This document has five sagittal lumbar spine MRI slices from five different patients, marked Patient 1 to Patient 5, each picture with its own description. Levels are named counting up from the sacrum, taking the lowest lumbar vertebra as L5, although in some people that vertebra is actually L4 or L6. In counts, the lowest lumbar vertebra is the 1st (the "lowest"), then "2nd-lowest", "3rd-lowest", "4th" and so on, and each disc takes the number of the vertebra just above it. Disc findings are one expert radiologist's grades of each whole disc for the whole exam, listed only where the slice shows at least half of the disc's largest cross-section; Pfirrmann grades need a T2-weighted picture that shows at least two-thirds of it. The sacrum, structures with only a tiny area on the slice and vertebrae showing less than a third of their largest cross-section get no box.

Patient 1 of 5:
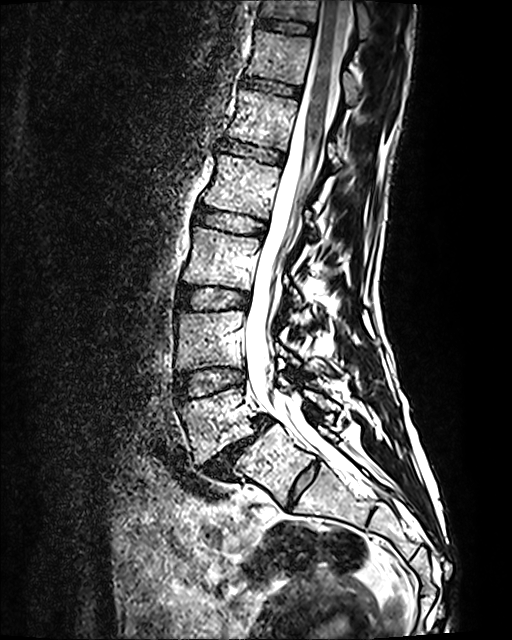 Sex F | Lumbar spine MR, T2 SPACE (3D), sagittal
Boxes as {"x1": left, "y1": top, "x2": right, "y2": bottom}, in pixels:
3rd-lowest disc — {"x1": 177, "y1": 286, "x2": 249, "y2": 309}.
Lowest disc — {"x1": 202, "y1": 416, "x2": 271, "y2": 478}.
3rd-lowest vertebra — {"x1": 182, "y1": 226, "x2": 300, "y2": 308}.
7th vertebra — {"x1": 260, "y1": 0, "x2": 372, "y2": 39}.
Lowest vertebra — {"x1": 179, "y1": 388, "x2": 339, "y2": 462}.
4th disc — {"x1": 195, "y1": 208, "x2": 265, "y2": 235}.
7th disc — {"x1": 258, "y1": 19, "x2": 314, "y2": 33}.
6th disc — {"x1": 242, "y1": 78, "x2": 299, "y2": 95}.
2nd-lowest vertebra — {"x1": 177, "y1": 310, "x2": 290, "y2": 370}.
6th vertebra — {"x1": 245, "y1": 31, "x2": 358, "y2": 104}.
5th vertebra — {"x1": 226, "y1": 89, "x2": 340, "y2": 168}.
Thecal sac / spinal canal — {"x1": 244, "y1": 0, "x2": 350, "y2": 453}.
2nd-lowest disc — {"x1": 175, "y1": 367, "x2": 245, "y2": 401}.
4th vertebra — {"x1": 204, "y1": 154, "x2": 313, "y2": 242}.
5th disc — {"x1": 221, "y1": 141, "x2": 284, "y2": 163}.

Per-level radiological findings:
  lowest disc: Pfirrmann grade 5, disc narrowing, spondylolisthesis, disc bulging, Modic type II
  4th disc: Pfirrmann grade 2
  7th disc: Pfirrmann grade 2
  5th disc: Pfirrmann grade 2
  3rd-lowest disc: Pfirrmann grade 2
  6th disc: Pfirrmann grade 2
  2nd-lowest disc: Pfirrmann grade 2

Patient 2 of 5:
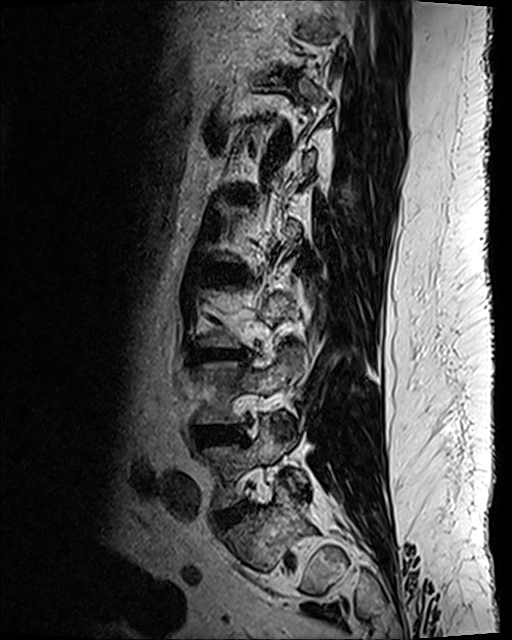 MRI lumbar spine (T2 SPACE (3D)), sagittal plane; Sex M
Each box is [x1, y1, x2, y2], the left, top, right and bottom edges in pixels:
Intervertebral disc L3/L4 at [193, 351, 245, 361], intervertebral disc L2/L3 at [223, 272, 244, 279], L4 at [196, 348, 307, 424], L5/S1 at [216, 505, 249, 525], L5 vertebra at [206, 417, 305, 507], L4/L5 at [196, 426, 238, 443].

Patient 3 of 5:
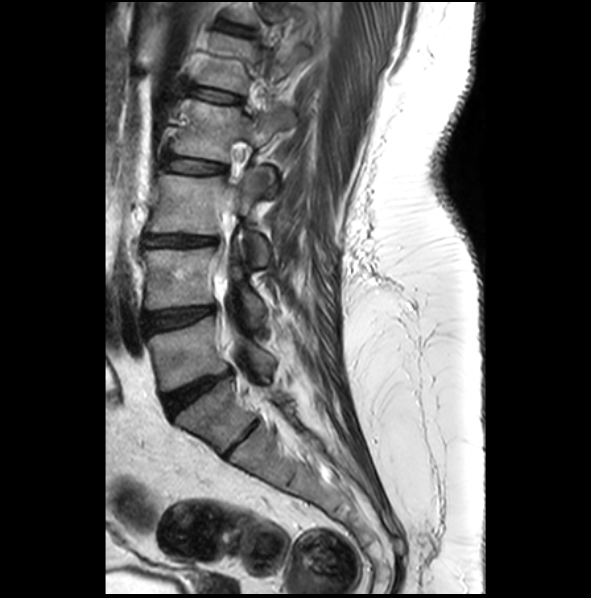 MRI lumbar spine (T2-weighted), sagittal plane

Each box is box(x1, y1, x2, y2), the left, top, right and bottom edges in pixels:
L1: box(197, 33, 310, 91)
L2: box(172, 99, 293, 197)
L3: box(148, 172, 268, 265)
IVD L2/L3: box(162, 156, 223, 173)
L3/L4: box(143, 234, 217, 245)
L1/L2: box(187, 85, 239, 102)
L4 vertebra: box(143, 235, 264, 327)
L5/S1: box(164, 369, 233, 415)
L5 vertebra: box(148, 317, 274, 391)
spinal canal: box(214, 200, 235, 344)
IVD L4/L5: box(143, 306, 214, 332)

Degenerative findings by level:
• L2/L3: Pfirrmann grade 2
• L5/S1: Pfirrmann grade 4, disc bulging, lower-endplate change, upper-endplate change
• L4/L5: Pfirrmann grade 3, disc bulging
• L1/L2: Pfirrmann grade 2
• L3/L4: Pfirrmann grade 3, lower-endplate change, upper-endplate change, disc bulging, disc narrowing, Modic type II

Patient 4 of 5:
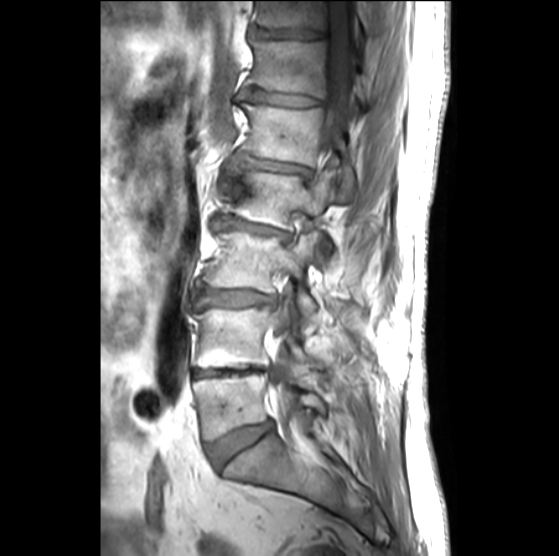 T1-weighted sagittal MRI of the lumbar spine
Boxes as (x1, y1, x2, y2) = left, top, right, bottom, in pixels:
{"T11 (7th vertebra)": "(256, 1, 372, 33)", "L5 (lowest vertebra)": "(193, 372, 327, 439)", "L3 (3rd-lowest vertebra)": "(203, 230, 322, 316)", "T11/T12 (7th disc)": "(254, 28, 323, 37)", "disc L3/L4 (3rd-lowest disc)": "(199, 289, 276, 306)", "disc L1/L2 (5th disc)": "(240, 158, 310, 177)", "L4 (2nd-lowest vertebra)": "(196, 305, 323, 371)", "L2 (4th vertebra)": "(225, 169, 339, 244)", "T12 (6th vertebra)": "(250, 37, 368, 103)", "L1 (5th vertebra)": "(239, 103, 355, 192)", "disc L2/L3 (4th disc)": "(222, 215, 290, 238)", "disc T12/L1 (6th disc)": "(249, 88, 320, 106)", "L4/L5 (2nd-lowest disc)": "(195, 367, 266, 376)", "spinal canal": "(269, 1, 354, 441)", "disc L5/S1 (lowest disc)": "(208, 420, 272, 466)"}

Degenerative findings by level:
- L3/L4 (3rd-lowest disc): disc bulging
- T12/L1 (6th disc): disc narrowing
- L2/L3 (4th disc): upper-endplate change, disc narrowing, lower-endplate change, disc bulging, Modic type II
- T11/T12 (7th disc): disc narrowing
- L1/L2 (5th disc): Modic type III, lower-endplate change, upper-endplate change, disc narrowing, disc bulging
- L5/S1 (lowest disc): disc bulging
- L4/L5 (2nd-lowest disc): disc narrowing, upper-endplate change, lower-endplate change, Modic type II

Patient 5 of 5:
Sagittal T2 SPACE (3D) lumbar spine MRI.
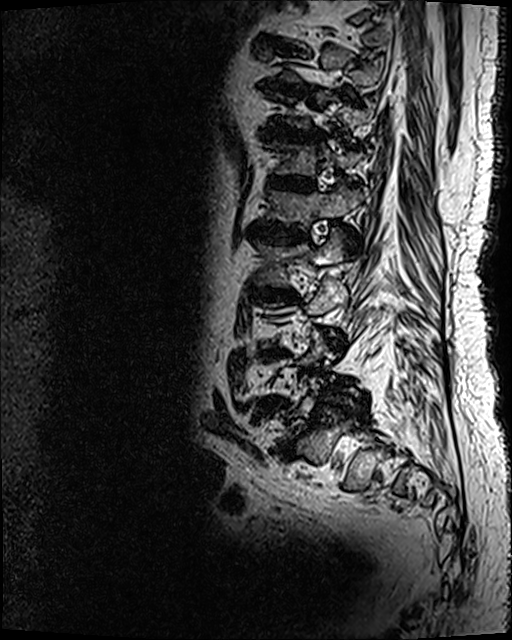
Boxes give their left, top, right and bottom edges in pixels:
5th vertebra: left=265, top=180, right=368, bottom=241 | 5th disc: left=247, top=222, right=308, bottom=244 | 4th disc: left=249, top=286, right=297, bottom=302 | lowest vertebra: left=289, top=374, right=362, bottom=418 | 6th disc: left=267, top=174, right=315, bottom=193 | 3rd-lowest disc: left=260, top=348, right=286, bottom=359 | 8th disc: left=260, top=77, right=306, bottom=97 | 7th disc: left=264, top=123, right=323, bottom=142 | lowest disc: left=282, top=443, right=294, bottom=459 | 4th vertebra: left=253, top=225, right=347, bottom=286 | 6th vertebra: left=268, top=140, right=363, bottom=176 | 2nd-lowest disc: left=252, top=397, right=291, bottom=418

Per-level radiological findings:
• 6th disc: upper-endplate change, Modic type II, disc bulging, disc narrowing, lower-endplate change
• 5th disc: Pfirrmann grade 5, disc narrowing, disc bulging, Modic type II, upper-endplate change, lower-endplate change
• 8th disc: upper-endplate change, disc narrowing, lower-endplate change, disc bulging, Modic type II
• 7th disc: Pfirrmann grade 5, disc bulging, lower-endplate change, disc narrowing, upper-endplate change, Modic type II